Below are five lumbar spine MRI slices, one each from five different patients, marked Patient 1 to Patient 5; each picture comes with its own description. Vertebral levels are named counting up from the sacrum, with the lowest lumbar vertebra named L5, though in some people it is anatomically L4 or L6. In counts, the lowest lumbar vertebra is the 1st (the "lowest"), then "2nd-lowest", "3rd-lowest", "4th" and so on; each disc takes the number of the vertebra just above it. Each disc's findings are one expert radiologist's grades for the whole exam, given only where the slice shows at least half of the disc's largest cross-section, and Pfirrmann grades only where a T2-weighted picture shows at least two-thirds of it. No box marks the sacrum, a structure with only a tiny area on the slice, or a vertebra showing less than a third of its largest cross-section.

Patient 1 of 5:
Field of view 308x310 mm. T2-weighted sagittal MRI of the lumbar spine. Slice 18/22.

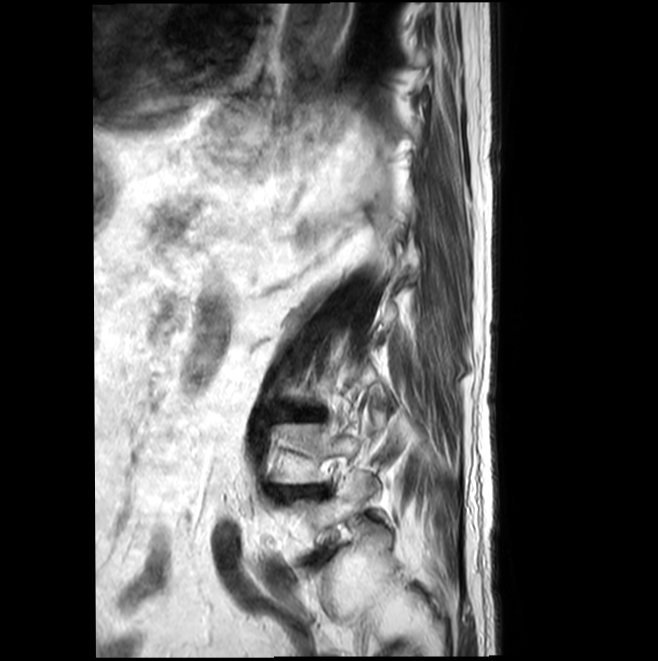
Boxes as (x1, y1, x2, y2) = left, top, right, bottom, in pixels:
lowest vertebra: (291, 470, 391, 550) | 3rd-lowest disc: (286, 411, 322, 419) | 2nd-lowest disc: (270, 486, 331, 501)

Expert MSK radiologist gradings (per disc):
• 2nd-lowest disc: disc bulging, upper-endplate change, disc narrowing, Modic type II, lower-endplate change

Patient 2 of 5:
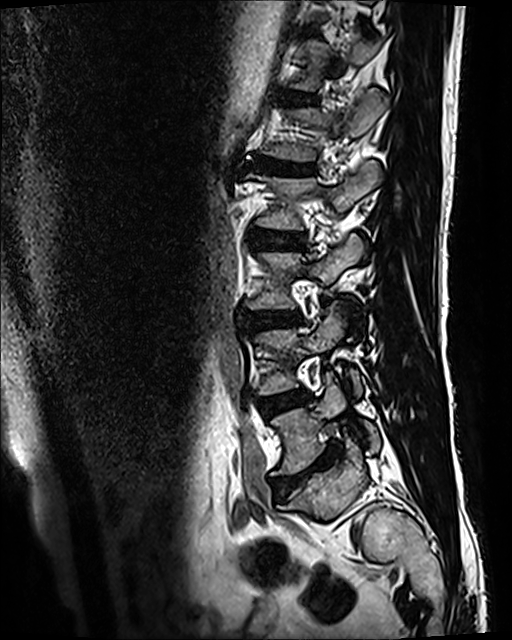 Slice 86/120; Sex M; Image 512x640; MRI lumbar spine (T2 SPACE (3D)), sagittal plane

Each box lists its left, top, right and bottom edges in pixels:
L3/L4 at left=247, top=309, right=300, bottom=329; L5/S1 at left=272, top=443, right=343, bottom=492; L1/L2 at left=249, top=160, right=316, bottom=175; L4 at left=256, top=306, right=362, bottom=396; L2/L3 at left=252, top=228, right=304, bottom=248; disc T12/L1 at left=284, top=91, right=315, bottom=103; L3 at left=245, top=233, right=366, bottom=307; L5 vertebra at left=271, top=374, right=379, bottom=475; disc L4/L5 at left=262, top=392, right=306, bottom=415; L2 at left=248, top=160, right=381, bottom=229; L1 vertebra at left=264, top=88, right=388, bottom=161.

Radiological gradings:
  L5/S1: Pfirrmann grade 5, upper-endplate change, disc bulging, lower-endplate change, disc narrowing, Modic type II
  L3/L4: upper-endplate change, disc bulging, lower-endplate change
  L1/L2: Pfirrmann grade 5, disc bulging, upper-endplate change, Modic type II, lower-endplate change, disc narrowing
  L2/L3: no spondylolisthesis, narrowing, bulging, herniation, Modic or endplate change recorded

Patient 3 of 5:
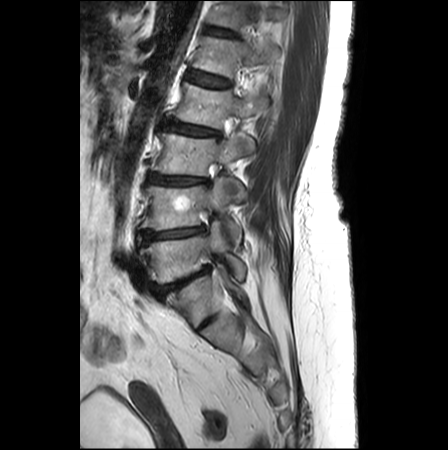 Image 448x450, Slice spacing 3.3 mm, MRI lumbar spine (T2-weighted), sagittal plane
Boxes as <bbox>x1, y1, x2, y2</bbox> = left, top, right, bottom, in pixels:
L5/S1 (lowest disc) = <bbox>152, 265, 209, 299</bbox>.
L1 (5th vertebra) = <bbox>193, 37, 278, 77</bbox>.
L2 (4th vertebra) = <bbox>174, 82, 267, 128</bbox>.
L4 (2nd-lowest vertebra) = <bbox>141, 177, 241, 245</bbox>.
L5 (lowest vertebra) = <bbox>140, 222, 245, 283</bbox>.
L2/L3 (4th disc) = <bbox>164, 122, 219, 137</bbox>.
Disc L3/L4 (3rd-lowest disc) = <bbox>147, 173, 208, 183</bbox>.
L1/L2 (5th disc) = <bbox>186, 71, 231, 87</bbox>.
T12 (6th vertebra) = <bbox>209, 1, 283, 30</bbox>.
L3 (3rd-lowest vertebra) = <bbox>150, 133, 254, 203</bbox>.
L4/L5 (2nd-lowest disc) = <bbox>138, 226, 204, 244</bbox>.
T12/L1 (6th disc) = <bbox>205, 27, 237, 36</bbox>.

Degenerative findings by level:
- L5/S1 (lowest disc): Pfirrmann grade 5, lower-endplate change, disc bulging, Modic type II, disc narrowing, upper-endplate change
- L1/L2 (5th disc): Pfirrmann grade 1
- L4/L5 (2nd-lowest disc): Pfirrmann grade 3, lower-endplate change, upper-endplate change, disc bulging, Modic type II, disc narrowing
- L2/L3 (4th disc): Pfirrmann grade 2, upper-endplate change, disc narrowing, lower-endplate change, Modic type II, disc bulging
- T12/L1 (6th disc): lower-endplate change
- L3/L4 (3rd-lowest disc): Pfirrmann grade 3, Modic type II, disc bulging, disc narrowing, lower-endplate change, upper-endplate change

Patient 4 of 5:
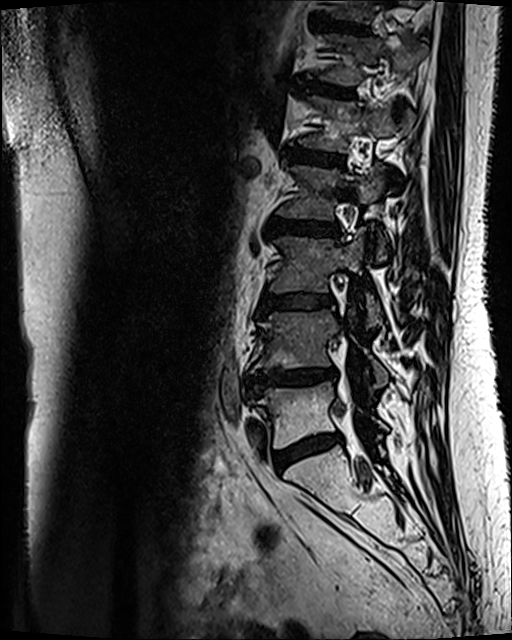 Patient sex: F; MRI lumbar spine (T2 SPACE (3D)), sagittal plane
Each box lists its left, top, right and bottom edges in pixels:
Annotations:
• IVD L2/L3: left=269, top=216, right=339, bottom=237
• IVD T12/L1: left=303, top=80, right=350, bottom=96
• IVD L5/S1: left=274, top=434, right=342, bottom=471
• IVD L3/L4: left=261, top=295, right=333, bottom=311
• IVD L4/L5: left=245, top=368, right=335, bottom=395
• L5 vertebra: left=252, top=382, right=387, bottom=448
• L1: left=299, top=96, right=407, bottom=152
• T12: left=321, top=34, right=426, bottom=85
• L3 vertebra: left=270, top=229, right=381, bottom=326
• L4: left=250, top=309, right=388, bottom=395
• L2 vertebra: left=278, top=166, right=387, bottom=261
• L1/L2: left=290, top=149, right=343, bottom=166
• IVD T11/T12: left=315, top=17, right=367, bottom=33

Per-level radiological findings:
• T11/T12: upper-endplate change, lower-endplate change, Modic type II
• L2/L3: Pfirrmann grade 3, Modic type II, disc bulging
• T12/L1: Modic type II
• L3/L4: Pfirrmann grade 3, Modic type II, disc bulging
• L4/L5: Pfirrmann grade 4, Modic type II, lower-endplate change, disc bulging, upper-endplate change, disc narrowing
• L5/S1: Modic type II, disc bulging
• L1/L2: Modic type II

Patient 5 of 5:
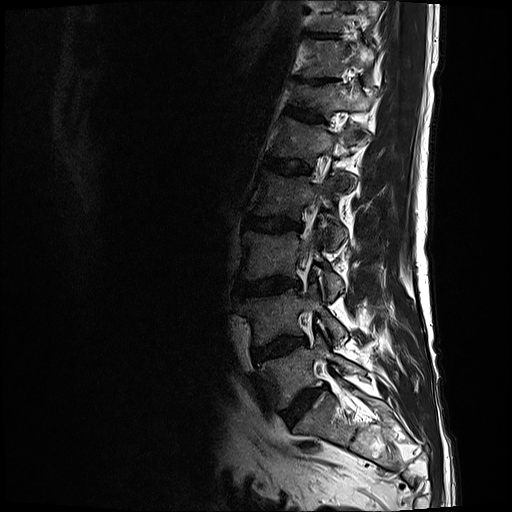 Lumbar spine MR, T2-weighted, sagittal. Sex M. Sagittal slice index 4.

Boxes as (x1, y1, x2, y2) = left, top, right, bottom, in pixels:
{"L1/L2": "(265, 155, 310, 174)", "intervertebral disc T12/L1": "(283, 105, 323, 119)", "L1": "(272, 116, 354, 165)", "intervertebral disc L5/S1": "(281, 387, 319, 425)", "L4 vertebra": "(237, 287, 346, 344)", "intervertebral disc L3/L4": "(238, 277, 300, 298)", "L3 vertebra": "(242, 230, 344, 299)", "T11/T12": "(298, 78, 327, 83)", "intervertebral disc T10/T11": "(308, 32, 339, 37)", "T11 vertebra": "(300, 39, 375, 89)", "L5": "(258, 335, 361, 408)", "T12 vertebra": "(290, 81, 371, 132)", "intervertebral disc L4/L5": "(250, 335, 306, 360)", "L2 vertebra": "(255, 170, 345, 247)", "T10 vertebra": "(309, 0, 381, 30)", "L2/L3": "(246, 215, 301, 231)", "thecal sac / spinal canal": "(300, 182, 320, 319)"}

Degenerative findings by level:
- L3/L4: Pfirrmann grade 4, disc narrowing, Modic type II, disc bulging
- L5/S1: Pfirrmann grade 4, disc bulging, disc narrowing
- L4/L5: Pfirrmann grade 3, Modic type II, disc bulging
- L1/L2: Pfirrmann grade 3
- L2/L3: Pfirrmann grade 3, Modic type II, disc bulging